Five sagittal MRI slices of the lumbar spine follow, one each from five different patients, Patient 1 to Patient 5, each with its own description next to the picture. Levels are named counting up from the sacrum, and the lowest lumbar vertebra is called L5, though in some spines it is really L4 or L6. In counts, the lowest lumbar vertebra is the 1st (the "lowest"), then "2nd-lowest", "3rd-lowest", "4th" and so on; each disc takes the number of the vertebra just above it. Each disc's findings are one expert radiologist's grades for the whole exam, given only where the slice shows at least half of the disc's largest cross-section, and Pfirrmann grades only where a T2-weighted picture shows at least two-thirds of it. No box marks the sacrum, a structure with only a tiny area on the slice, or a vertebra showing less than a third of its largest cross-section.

Patient 1 of 5:
Slice 52 of 120 | Lumbar spine MR, T2 SPACE (3D), sagittal
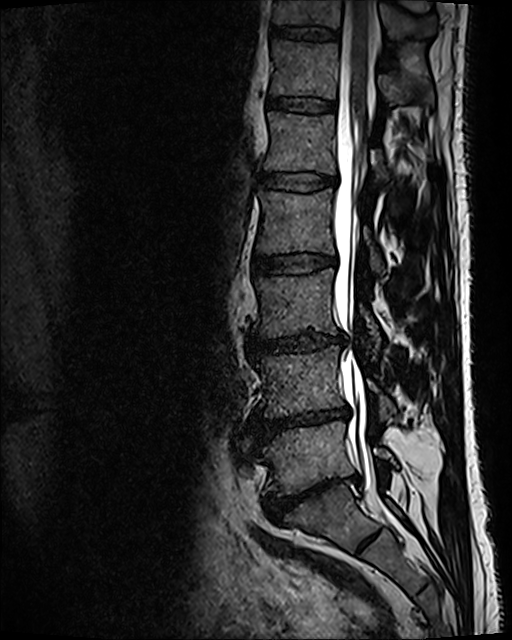
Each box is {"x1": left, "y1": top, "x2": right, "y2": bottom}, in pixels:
Structures:
• L3 vertebra at {"x1": 253, "y1": 269, "x2": 380, "y2": 350}
• L1 vertebra at {"x1": 264, "y1": 112, "x2": 388, "y2": 185}
• L2 vertebra at {"x1": 257, "y1": 188, "x2": 384, "y2": 273}
• T12 at {"x1": 271, "y1": 40, "x2": 433, "y2": 105}
• L4 vertebra at {"x1": 255, "y1": 346, "x2": 394, "y2": 420}
• IVD T11/T12 at {"x1": 270, "y1": 26, "x2": 340, "y2": 41}
• L5 at {"x1": 258, "y1": 422, "x2": 395, "y2": 495}
• T12/L1 at {"x1": 269, "y1": 97, "x2": 335, "y2": 112}
• L2/L3 at {"x1": 253, "y1": 255, "x2": 335, "y2": 275}
• L3/L4 at {"x1": 250, "y1": 332, "x2": 342, "y2": 351}
• L4/L5 at {"x1": 253, "y1": 407, "x2": 349, "y2": 441}
• T11 at {"x1": 272, "y1": 0, "x2": 438, "y2": 39}
• L1/L2 at {"x1": 259, "y1": 171, "x2": 335, "y2": 191}
• IVD L5/S1 at {"x1": 263, "y1": 476, "x2": 353, "y2": 521}
• spinal canal at {"x1": 333, "y1": 1, "x2": 390, "y2": 519}

Radiological gradings:
• L1/L2: Pfirrmann grade 2
• L2/L3: Pfirrmann grade 2
• L3/L4: Pfirrmann grade 3, disc bulging, disc narrowing
• T11/T12: Pfirrmann grade 2
• T12/L1: Pfirrmann grade 2
• L4/L5: Pfirrmann grade 5, Modic type II, disc narrowing, disc bulging, lower-endplate change
• L5/S1: Pfirrmann grade 5, disc narrowing, lower-endplate change, disc bulging, spondylolisthesis

Patient 2 of 5:
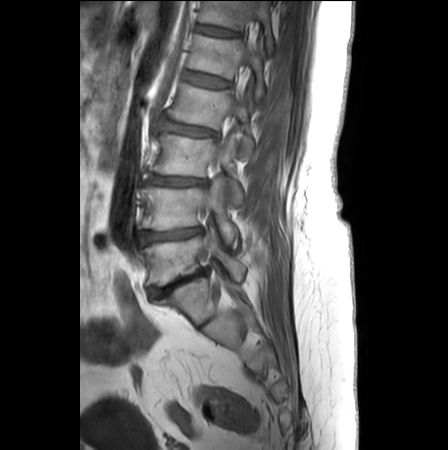 Lumbar spine MR, T1-weighted, sagittal
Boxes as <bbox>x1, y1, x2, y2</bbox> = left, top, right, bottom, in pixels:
L2/L3 at <bbox>159, 120, 218, 138</bbox>, L1 vertebra at <bbox>189, 34, 263, 104</bbox>, L4/L5 at <bbox>140, 227, 202, 242</bbox>, L3/L4 at <bbox>148, 174, 206, 186</bbox>, IVD T12/L1 at <bbox>196, 24, 238, 36</bbox>, spinal canal at <bbox>228, 45, 254, 118</bbox>, L1/L2 at <bbox>184, 71, 229, 87</bbox>, L5 vertebra at <bbox>142, 227, 246, 284</bbox>, L3 at <bbox>150, 133, 242, 206</bbox>, L2 at <bbox>169, 83, 254, 154</bbox>, L4 vertebra at <bbox>142, 176, 237, 248</bbox>, L5/S1 at <bbox>150, 269, 206, 296</bbox>, T12 vertebra at <bbox>199, 1, 274, 55</bbox>.

Per-level radiological findings:
- L2/L3: lower-endplate change, upper-endplate change, disc bulging, Modic type II, disc narrowing
- L4/L5: disc narrowing, lower-endplate change, upper-endplate change, Modic type II, disc bulging
- L3/L4: disc bulging, Modic type II, lower-endplate change, disc narrowing, upper-endplate change
- T12/L1: lower-endplate change
- L5/S1: lower-endplate change, disc bulging, upper-endplate change, disc narrowing, Modic type II
- L1/L2: no Modic or endplate change, herniation, narrowing, bulging or spondylolisthesis recorded

Patient 3 of 5:
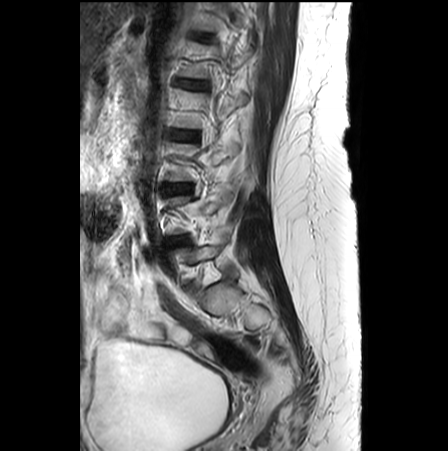 Sagittal slice index 6, 448x451 px, Field of view 280x282 mm, T2-weighted sagittal MRI of the lumbar spine
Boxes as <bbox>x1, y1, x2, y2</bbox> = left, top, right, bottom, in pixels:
L1 at <bbox>179, 42, 251, 78</bbox>, IVD L3/L4 at <bbox>162, 183, 191, 193</bbox>, L2 vertebra at <bbox>174, 89, 248, 128</bbox>, L4/L5 at <bbox>166, 237, 186, 244</bbox>, L2/L3 at <bbox>170, 130, 198, 140</bbox>, IVD L1/L2 at <bbox>179, 81, 206, 89</bbox>.

Radiological gradings:
• L2/L3, L3/L4: no Modic or endplate change, herniation, narrowing, bulging or spondylolisthesis recorded

Patient 4 of 5:
Lumbar spine MR, T2 SPACE (3D), sagittal; Patient sex: F; Field of view 240x300 mm
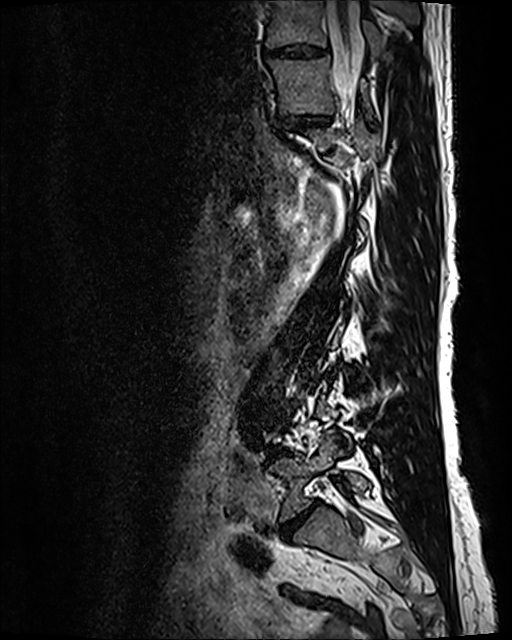

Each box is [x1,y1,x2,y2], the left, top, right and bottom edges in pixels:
Lowest vertebra = [269,431,368,521].
7th disc = [282,113,332,126].
2nd-lowest disc = [271,449,285,455].
Lowest disc = [280,501,319,538].
7th vertebra = [269,56,371,117].
Spinal canal = [327,1,362,101].
8th disc = [263,43,324,59].
8th vertebra = [265,0,385,55].

Per-level radiological findings:
- 7th disc: disc bulging, disc narrowing
- 8th disc: Pfirrmann grade 3, disc bulging, disc narrowing
- lowest disc: Modic type II, disc bulging, disc narrowing, upper-endplate change, lower-endplate change

Patient 5 of 5:
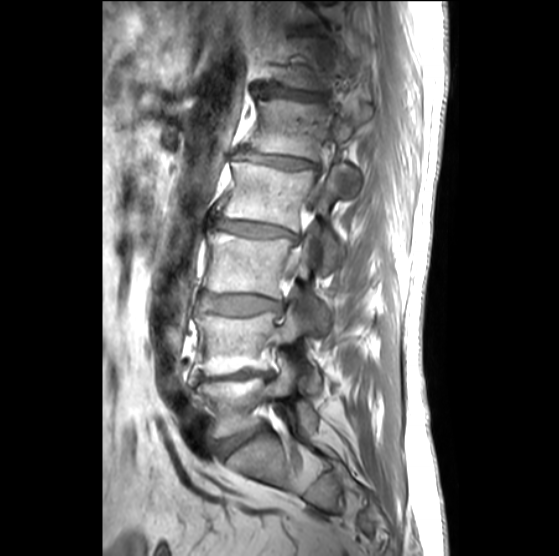 Sagittal T1-weighted lumbar spine MRI. Slice spacing 3.3 mm. Slice 19 of 27.

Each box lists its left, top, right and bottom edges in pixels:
Disc L5/S1 (lowest disc): left=220, top=426, right=264, bottom=454.
Disc T12/L1 (6th disc): left=270, top=88, right=322, bottom=100.
L4 (2nd-lowest vertebra): left=193, top=306, right=320, bottom=390.
L2 (4th vertebra): left=217, top=160, right=353, bottom=264.
L1 (5th vertebra): left=248, top=98, right=372, bottom=180.
L3 (3rd-lowest vertebra): left=204, top=227, right=325, bottom=323.
Disc L2/L3 (4th disc): left=215, top=216, right=296, bottom=238.
L5 (lowest vertebra): left=198, top=358, right=317, bottom=437.
L1/L2 (5th disc): left=238, top=150, right=316, bottom=169.
T12 (6th vertebra): left=281, top=37, right=360, bottom=90.
L4/L5 (2nd-lowest disc): left=197, top=370, right=273, bottom=381.
L3/L4 (3rd-lowest disc): left=201, top=293, right=282, bottom=315.

Per-level radiological findings:
• L4/L5 (2nd-lowest disc): upper-endplate change, disc narrowing, lower-endplate change, Modic type II
• L3/L4 (3rd-lowest disc): disc bulging
• L1/L2 (5th disc): upper-endplate change, disc bulging, lower-endplate change, disc narrowing, Modic type III
• L2/L3 (4th disc): lower-endplate change, disc bulging, disc narrowing, upper-endplate change, Modic type II